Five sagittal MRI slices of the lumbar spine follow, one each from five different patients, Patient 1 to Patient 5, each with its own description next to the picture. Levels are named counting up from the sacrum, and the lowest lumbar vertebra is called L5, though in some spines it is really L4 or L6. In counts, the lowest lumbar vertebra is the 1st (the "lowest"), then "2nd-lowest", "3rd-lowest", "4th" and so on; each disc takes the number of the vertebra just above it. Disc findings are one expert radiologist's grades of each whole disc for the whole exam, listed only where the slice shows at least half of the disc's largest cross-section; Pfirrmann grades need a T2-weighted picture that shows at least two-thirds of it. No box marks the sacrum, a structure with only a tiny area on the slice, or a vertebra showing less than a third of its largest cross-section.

Patient 1 of 5:
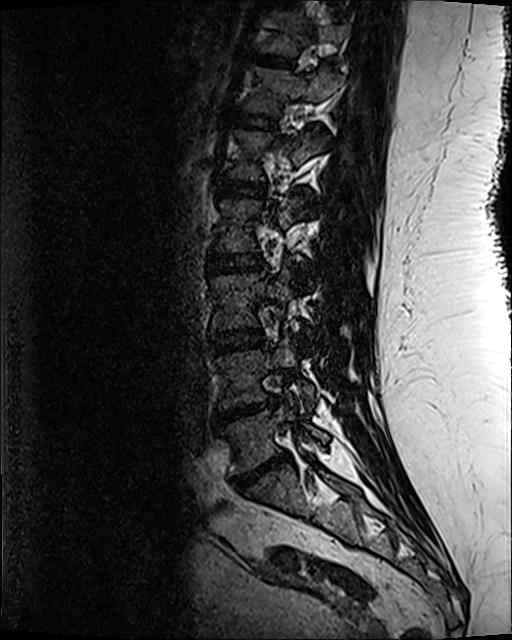 Slice 77/120. T2 SPACE (3D) sagittal MRI of the lumbar spine.
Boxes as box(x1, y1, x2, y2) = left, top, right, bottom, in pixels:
Segmented structures:
• disc T10/T11: box(273, 0, 291, 6)
• disc L5/S1: box(231, 455, 287, 490)
• disc L2/L3: box(207, 253, 262, 273)
• L3: box(212, 269, 289, 329)
• L2: box(216, 199, 298, 251)
• L5: box(225, 401, 328, 475)
• L1/L2: box(218, 179, 265, 196)
• L3/L4: box(211, 331, 263, 352)
• T12 vertebra: box(245, 66, 343, 114)
• L4 vertebra: box(216, 337, 314, 409)
• T11 vertebra: box(259, 10, 345, 54)
• T12/L1: box(228, 109, 275, 129)
• T11/T12: box(254, 55, 291, 65)
• L1: box(228, 130, 322, 179)
• disc L4/L5: box(218, 399, 275, 421)

Expert MSK radiologist gradings (per disc):
  L2/L3: Pfirrmann grade 3, upper-endplate change, lower-endplate change
  L1/L2: Pfirrmann grade 3, lower-endplate change
  L3/L4: Pfirrmann grade 3
  T11/T12: lower-endplate change
  T12/L1: Pfirrmann grade 3
  L5/S1: lower-endplate change, disc herniation, upper-endplate change, disc narrowing, Modic type II

Patient 2 of 5:
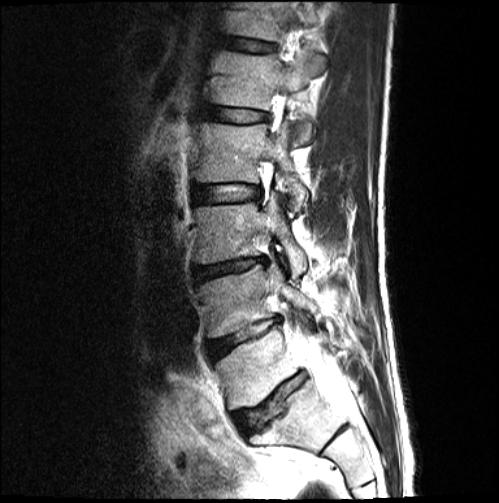

Field of view 260x262 mm, slice spacing 4.8 mm, Image 499x503, T2-weighted sagittal MRI of the lumbar spine, Sagittal slice index 5
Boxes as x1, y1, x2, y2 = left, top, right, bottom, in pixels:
Structures:
• L1 = 211, 53, 324, 143
• thecal sac / spinal canal = 295, 327, 351, 403
• L2 vertebra = 195, 121, 307, 211
• intervertebral disc L1/L2 = 204, 107, 265, 122
• L3 = 195, 193, 306, 278
• T12/L1 = 229, 38, 273, 52
• intervertebral disc L4/L5 = 208, 319, 278, 359
• intervertebral disc L5/S1 = 234, 374, 303, 432
• L4 vertebra = 198, 265, 316, 337
• intervertebral disc L2/L3 = 194, 184, 259, 203
• L5 = 216, 326, 321, 408
• L3/L4 = 194, 258, 264, 280

Radiological gradings:
• L1/L2: Pfirrmann grade 2
• L2/L3: Pfirrmann grade 2
• L3/L4: Pfirrmann grade 4, disc bulging, upper-endplate change, lower-endplate change, disc narrowing
• L5/S1: Pfirrmann grade 3, lower-endplate change, disc narrowing, disc bulging, upper-endplate change
• T12/L1: Pfirrmann grade 2
• L4/L5: Pfirrmann grade 4, disc bulging, lower-endplate change, upper-endplate change, disc narrowing

Patient 3 of 5:
Sex F, Field of view 308x308 mm, slice spacing 4.4 mm, T2-weighted sagittal MRI of the lumbar spine
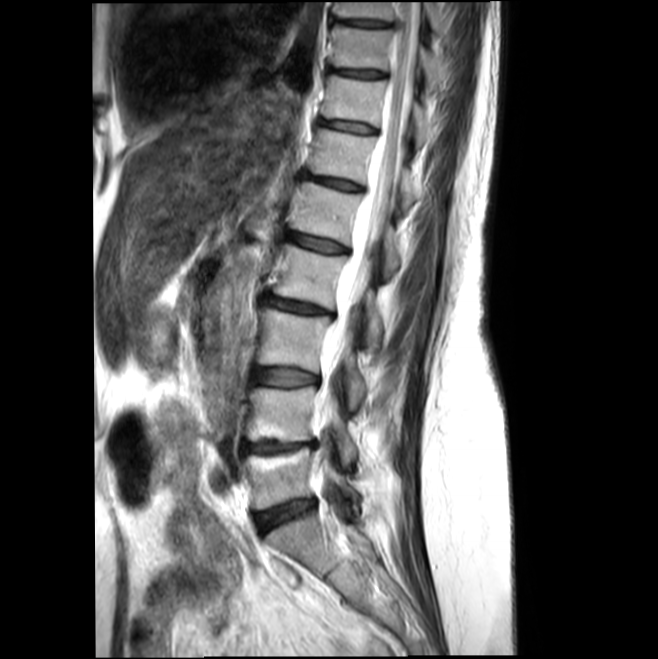
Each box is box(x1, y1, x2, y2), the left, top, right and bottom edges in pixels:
{"L4/L5": "box(246, 440, 317, 451)", "T11 vertebra": "box(321, 75, 432, 145)", "T10": "box(330, 25, 443, 83)", "L2 vertebra": "box(274, 245, 382, 344)", "disc T11/T12": "box(319, 120, 377, 133)", "T12": "box(309, 129, 418, 210)", "L3": "box(257, 309, 366, 410)", "L4 vertebra": "box(247, 386, 356, 465)", "disc L3/L4": "box(254, 368, 318, 386)", "T12/L1": "box(305, 174, 366, 191)", "thecal sac / spinal canal": "box(314, 2, 419, 474)", "L5 vertebra": "box(245, 447, 358, 510)", "T9/T10": "box(338, 19, 386, 27)", "disc L1/L2": "box(288, 233, 349, 253)", "disc L5/S1": "box(256, 501, 313, 531)", "L1 vertebra": "box(292, 183, 399, 276)", "T9 vertebra": "box(333, 2, 440, 32)", "disc T10/T11": "box(330, 67, 382, 78)", "L2/L3": "box(263, 293, 335, 319)"}

Degenerative findings by level:
  L1/L2: Pfirrmann grade 2
  L2/L3: Pfirrmann grade 2, disc bulging
  T10/T11: Pfirrmann grade 2
  L5/S1: disc bulging
  T12/L1: Pfirrmann grade 2
  L4/L5: Pfirrmann grade 3, Modic type II, disc bulging, lower-endplate change, upper-endplate change
  T9/T10: Pfirrmann grade 2
  L3/L4: Pfirrmann grade 2, disc bulging, Modic type II
  T11/T12: Pfirrmann grade 2

Patient 4 of 5:
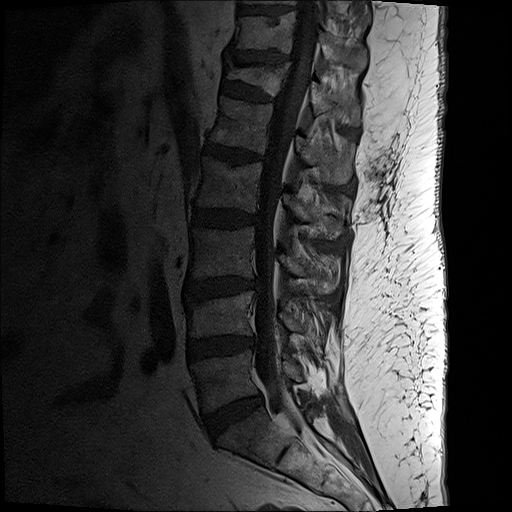

MRI lumbar spine (T1-weighted), sagittal plane; Sagittal slice index 10; Field of view 300x300 mm, slice spacing 3.3 mm

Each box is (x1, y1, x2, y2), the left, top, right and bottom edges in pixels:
T12/L1 — (221, 81, 274, 102) | L3/L4 — (190, 279, 257, 298) | L2/L3 — (194, 209, 257, 229) | T10/T11 — (242, 8, 291, 15) | L1 — (210, 97, 352, 185) | L1/L2 — (204, 144, 252, 165) | T12 — (226, 63, 335, 113) | L4 vertebra — (184, 291, 301, 338) | spinal canal — (254, 1, 318, 419) | L2 — (197, 158, 341, 238) | T11 vertebra — (232, 13, 366, 71) | IVD T11/T12 — (233, 53, 285, 65) | L5 — (191, 350, 303, 412) | IVD L4/L5 — (187, 338, 250, 360) | IVD L5/S1 — (205, 395, 262, 437) | L3 — (190, 226, 334, 294)

Expert MSK radiologist gradings (per disc):
  L5/S1: disc bulging
  T12/L1: lower-endplate change, upper-endplate change, spondylolisthesis, disc bulging
  L1/L2: Modic type II, disc narrowing, lower-endplate change, disc bulging, upper-endplate change
  L3/L4: lower-endplate change, upper-endplate change, disc bulging, Modic type II
  L4/L5: disc bulging, disc narrowing
  L2/L3: lower-endplate change, disc bulging
  T11/T12: disc narrowing, disc bulging, lower-endplate change, upper-endplate change

Patient 5 of 5:
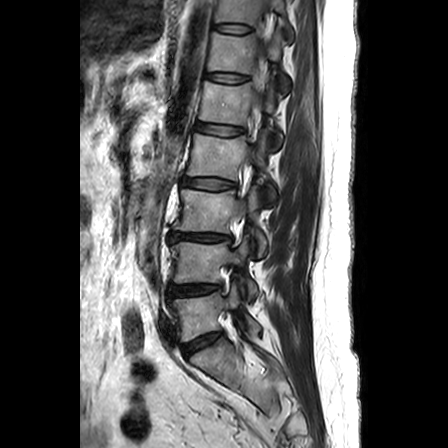

Sagittal T2-weighted lumbar spine MRI | Field of view 280x280 mm | Sagittal slice index 16

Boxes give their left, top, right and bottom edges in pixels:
5th vertebra: left=199, top=81, right=282, bottom=149
7th vertebra: left=215, top=0, right=293, bottom=37
5th disc: left=196, top=122, right=244, bottom=135
4th disc: left=183, top=178, right=235, bottom=189
2nd-lowest disc: left=169, top=284, right=222, bottom=295
2nd-lowest vertebra: left=170, top=235, right=258, bottom=296
6th disc: left=205, top=72, right=248, bottom=83
4th vertebra: left=187, top=133, right=276, bottom=201
7th disc: left=213, top=23, right=251, bottom=33
3rd-lowest disc: left=170, top=232, right=231, bottom=241
3rd-lowest vertebra: left=173, top=186, right=267, bottom=255
spinal canal: left=254, top=30, right=268, bottom=113
6th vertebra: left=208, top=31, right=289, bottom=92
lowest disc: left=184, top=332, right=221, bottom=355
lowest vertebra: left=170, top=284, right=260, bottom=341

Radiological gradings:
  2nd-lowest disc: disc bulging
  3rd-lowest disc: Pfirrmann grade 3, upper-endplate change, lower-endplate change, disc narrowing, Modic type II, disc herniation
  7th disc: Pfirrmann grade 1
  5th disc: Pfirrmann grade 2
  6th disc: Pfirrmann grade 2
  4th disc: Pfirrmann grade 1
  lowest disc: no spondylolisthesis, narrowing, bulging, herniation, Modic or endplate change recorded